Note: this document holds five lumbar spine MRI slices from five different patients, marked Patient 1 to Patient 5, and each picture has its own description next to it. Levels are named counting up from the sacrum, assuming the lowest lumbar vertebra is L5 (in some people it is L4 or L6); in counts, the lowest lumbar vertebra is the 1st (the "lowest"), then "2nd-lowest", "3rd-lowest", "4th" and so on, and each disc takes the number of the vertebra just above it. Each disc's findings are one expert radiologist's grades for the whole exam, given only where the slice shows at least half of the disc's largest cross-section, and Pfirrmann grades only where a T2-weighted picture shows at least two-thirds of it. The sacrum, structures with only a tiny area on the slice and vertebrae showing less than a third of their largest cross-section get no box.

Patient 1 of 5:
Slice spacing 4.8 mm. Lumbar spine MR, T1-weighted, sagittal. Slice 8 of 19. 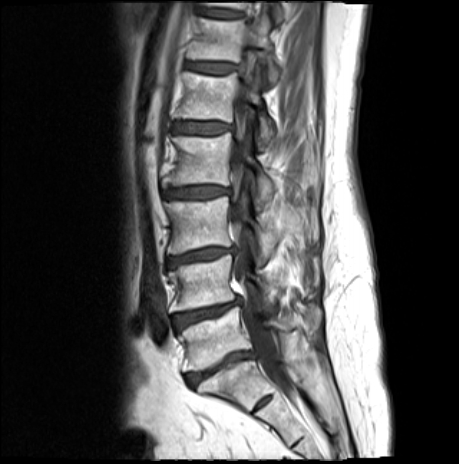

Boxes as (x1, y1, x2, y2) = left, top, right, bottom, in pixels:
Segmented structures:
* L4 vertebra at (169, 254, 277, 312)
* disc L3/L4 at (168, 248, 233, 267)
* T11 at (205, 2, 283, 22)
* T12 at (188, 13, 280, 84)
* L3 at (165, 196, 276, 261)
* T12/L1 at (186, 62, 236, 73)
* L5/S1 at (186, 352, 251, 385)
* disc L4/L5 at (172, 299, 240, 330)
* T11/T12 at (202, 9, 240, 17)
* L2 vertebra at (162, 132, 274, 209)
* spinal canal at (231, 82, 281, 382)
* L1 at (176, 72, 274, 147)
* disc L2/L3 at (163, 186, 228, 198)
* L1/L2 at (173, 122, 230, 134)
* L5 at (178, 307, 320, 371)

Degenerative findings by level:
  L5/S1: upper-endplate change, disc narrowing, disc bulging, Modic type II, lower-endplate change
  T12/L1: Modic type II, upper-endplate change, lower-endplate change
  T11/T12: Modic type II
  L2/L3: disc bulging, lower-endplate change, upper-endplate change, Modic type II
  L3/L4: disc narrowing, Modic type II, disc bulging, lower-endplate change, upper-endplate change
  L1/L2: upper-endplate change, lower-endplate change, Modic type II, disc bulging
  L4/L5: upper-endplate change, lower-endplate change, Modic type II, disc bulging, disc narrowing

Patient 2 of 5:
Slice spacing 3.3 mm; Lumbar spine MR, T2-weighted, sagittal 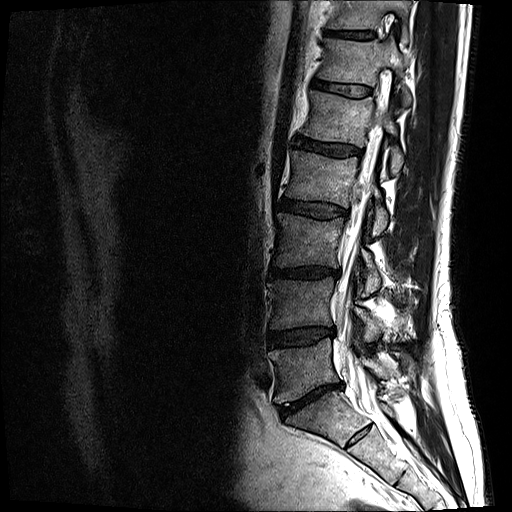 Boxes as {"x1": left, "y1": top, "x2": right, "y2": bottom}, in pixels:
{"5th vertebra": {"x1": 303, "y1": 91, "x2": 404, "y2": 174}, "spinal canal": {"x1": 337, "y1": 102, "x2": 385, "y2": 410}, "2nd-lowest disc": {"x1": 269, "y1": 328, "x2": 334, "y2": 346}, "7th vertebra": {"x1": 329, "y1": 0, "x2": 411, "y2": 42}, "3rd-lowest vertebra": {"x1": 273, "y1": 213, "x2": 380, "y2": 296}, "lowest disc": {"x1": 278, "y1": 383, "x2": 342, "y2": 417}, "4th disc": {"x1": 279, "y1": 199, "x2": 347, "y2": 218}, "7th disc": {"x1": 326, "y1": 31, "x2": 374, "y2": 38}, "3rd-lowest disc": {"x1": 270, "y1": 267, "x2": 339, "y2": 278}, "6th disc": {"x1": 313, "y1": 80, "x2": 370, "y2": 96}, "4th vertebra": {"x1": 286, "y1": 149, "x2": 388, "y2": 236}, "2nd-lowest vertebra": {"x1": 269, "y1": 277, "x2": 381, "y2": 342}, "5th disc": {"x1": 296, "y1": 138, "x2": 360, "y2": 156}, "6th vertebra": {"x1": 319, "y1": 38, "x2": 411, "y2": 105}, "lowest vertebra": {"x1": 269, "y1": 338, "x2": 389, "y2": 405}}

Radiological gradings:
- 5th disc: Pfirrmann grade 4
- 4th disc: Pfirrmann grade 3, disc bulging
- 6th disc: Pfirrmann grade 3
- lowest disc: Pfirrmann grade 5, disc bulging, Modic type II, disc narrowing
- 2nd-lowest disc: Pfirrmann grade 3, disc narrowing, disc bulging
- 3rd-lowest disc: Pfirrmann grade 4, disc narrowing, disc bulging, lower-endplate change
- 7th disc: no Modic or endplate change, herniation, narrowing, bulging or spondylolisthesis recorded

Patient 3 of 5:
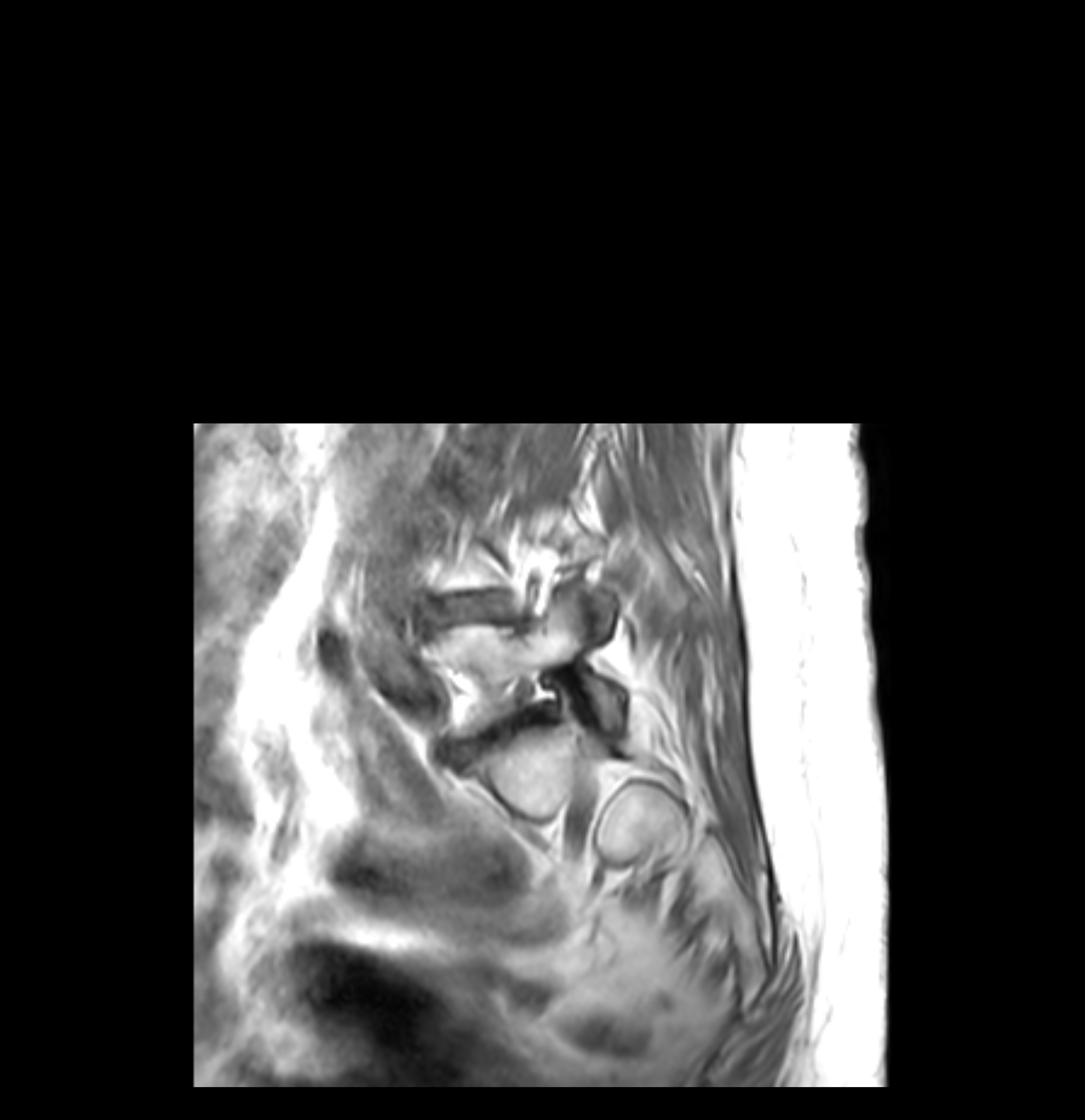
MRI lumbar spine (T1-weighted), sagittal plane, 1085x1120 px, Patient sex: F

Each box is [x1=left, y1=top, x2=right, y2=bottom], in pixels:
{"lowest disc": "[x1=453, y1=704, x2=552, y2=762]", "2nd-lowest disc": "[x1=455, y1=592, x2=508, y2=616]", "lowest vertebra": "[x1=429, y1=593, x2=620, y2=732]"}

Per-level radiological findings:
  lowest disc: disc herniation, lower-endplate change, disc narrowing, disc bulging, upper-endplate change, Modic type II

Patient 4 of 5:
Slice 33/120; Lumbar spine MR, T2 SPACE (3D), sagittal
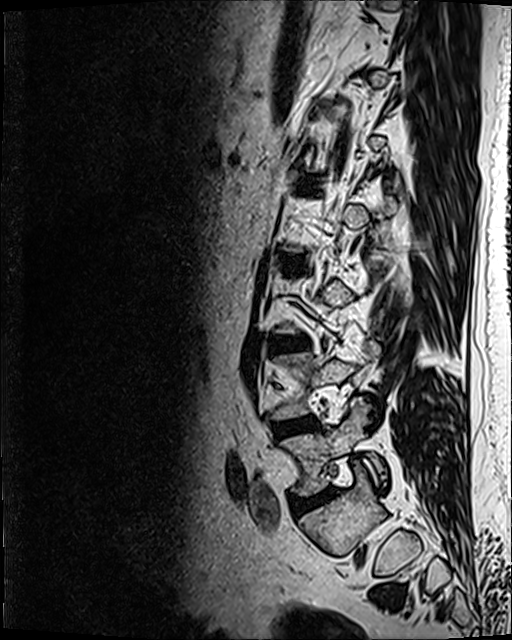 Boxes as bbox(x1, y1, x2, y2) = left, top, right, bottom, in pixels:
L3/L4: bbox(272, 337, 304, 349)
IVD L4/L5: bbox(274, 417, 316, 435)
L5: bbox(283, 397, 384, 495)
L5/S1: bbox(294, 489, 335, 512)
L2/L3: bbox(282, 258, 302, 265)

Patient 5 of 5:
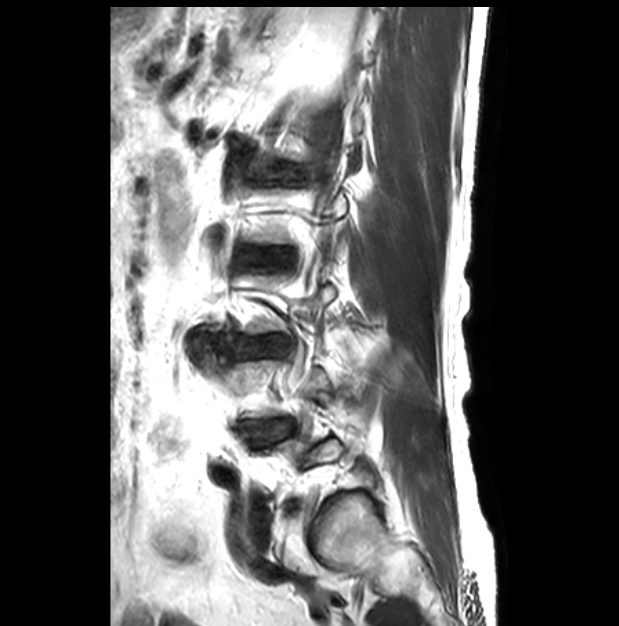
Field of view 280x283 mm, slice spacing 3.3 mm, Sagittal T2-weighted lumbar spine MRI, 619x626 px

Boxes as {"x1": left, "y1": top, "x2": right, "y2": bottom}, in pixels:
L2/L3: {"x1": 244, "y1": 247, "x2": 297, "y2": 273}.
Disc L3/L4: {"x1": 202, "y1": 332, "x2": 286, "y2": 359}.

Radiological gradings:
• L3/L4: Pfirrmann grade 1
• L2/L3: no herniation, bulging, narrowing, spondylolisthesis, endplate or Modic change recorded